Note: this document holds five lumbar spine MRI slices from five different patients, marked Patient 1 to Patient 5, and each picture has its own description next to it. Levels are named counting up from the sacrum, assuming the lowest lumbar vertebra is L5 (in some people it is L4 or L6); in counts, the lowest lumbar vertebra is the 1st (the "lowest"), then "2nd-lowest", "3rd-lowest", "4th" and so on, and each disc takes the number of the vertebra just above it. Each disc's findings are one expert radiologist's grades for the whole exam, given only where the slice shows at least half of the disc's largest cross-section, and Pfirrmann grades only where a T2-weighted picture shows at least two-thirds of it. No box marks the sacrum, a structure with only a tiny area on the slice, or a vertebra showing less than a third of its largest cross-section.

Patient 1 of 5:
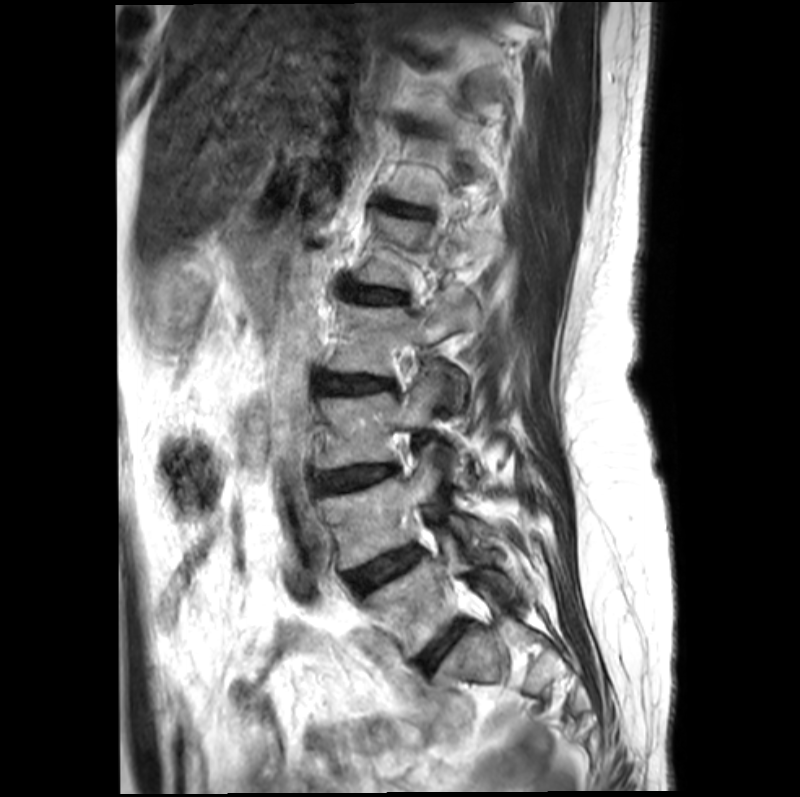 T2-weighted sagittal MRI of the lumbar spine | Image 800x797 | Patient sex: F

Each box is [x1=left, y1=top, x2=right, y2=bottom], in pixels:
• disc L1/L2 = [x1=345, y1=284, x2=400, y2=302]
• disc L5/S1 = [x1=419, y1=625, x2=461, y2=669]
• L3 = [x1=319, y1=364, x2=465, y2=471]
• T12/L1 = [x1=384, y1=203, x2=413, y2=214]
• L2 = [x1=330, y1=294, x2=478, y2=397]
• L5 = [x1=366, y1=535, x2=514, y2=652]
• L1 = [x1=353, y1=213, x2=495, y2=288]
• disc L3/L4 = [x1=315, y1=464, x2=394, y2=492]
• disc L4/L5 = [x1=348, y1=548, x2=418, y2=592]
• L4 = [x1=317, y1=450, x2=490, y2=569]
• L2/L3 = [x1=314, y1=374, x2=387, y2=393]

Degenerative findings by level:
  L2/L3: Pfirrmann grade 3, lower-endplate change, Modic type II, disc bulging, upper-endplate change
  L4/L5: Pfirrmann grade 3, Modic type II
  L1/L2: upper-endplate change, Modic type II, lower-endplate change
  L3/L4: Pfirrmann grade 3, disc narrowing, upper-endplate change, disc bulging, lower-endplate change, Modic type II

Patient 2 of 5:
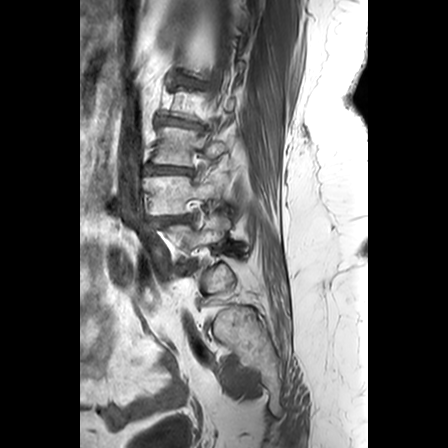
Sagittal T1-weighted lumbar spine MRI, Slice 6/24

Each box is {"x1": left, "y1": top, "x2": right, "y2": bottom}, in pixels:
Structures:
• L4/L5: {"x1": 156, "y1": 212, "x2": 191, "y2": 222}
• L4: {"x1": 144, "y1": 172, "x2": 228, "y2": 212}
• L5 vertebra: {"x1": 162, "y1": 211, "x2": 230, "y2": 256}
• L3/L4: {"x1": 147, "y1": 163, "x2": 193, "y2": 172}
• L3 vertebra: {"x1": 152, "y1": 123, "x2": 227, "y2": 163}
• L2/L3: {"x1": 160, "y1": 115, "x2": 199, "y2": 124}

Per-level radiological findings:
- L3/L4: disc narrowing, upper-endplate change, Modic type II, disc bulging, lower-endplate change

Patient 3 of 5:
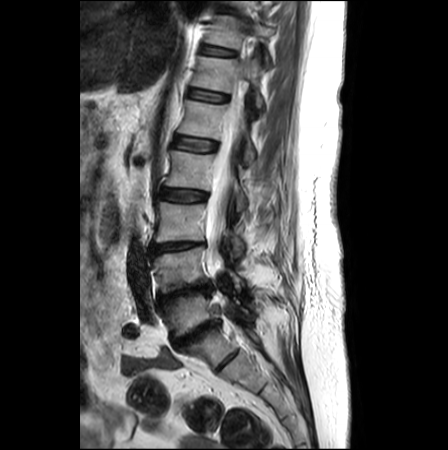 T2-weighted sagittal MRI of the lumbar spine. Image 448x450. Slice 11/26.
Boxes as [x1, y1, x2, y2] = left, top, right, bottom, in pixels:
T12 vertebra at [192, 56, 262, 107], spinal canal at [206, 105, 243, 274], L1 vertebra at [178, 100, 254, 163], intervertebral disc L3/L4 at [149, 242, 206, 253], intervertebral disc T10/T11 at [218, 7, 231, 11], L5 vertebra at [160, 293, 250, 337], L2/L3 at [160, 189, 206, 201], L1/L2 at [175, 136, 216, 151], T11 at [206, 16, 275, 66], L2 at [166, 151, 248, 211], L5/S1 at [174, 321, 218, 347], L4 vertebra at [152, 247, 244, 293], L4/L5 at [158, 282, 213, 303], intervertebral disc T12/L1 at [189, 90, 226, 101], intervertebral disc T11/T12 at [201, 45, 233, 55], L3 at [154, 202, 244, 256].

Per-level radiological findings:
  L4/L5: Pfirrmann grade 5, disc narrowing, disc bulging
  T11/T12: Pfirrmann grade 1
  L1/L2: Pfirrmann grade 2
  L5/S1: Pfirrmann grade 5, disc bulging, Modic type II, disc narrowing, upper-endplate change, lower-endplate change
  L2/L3: Pfirrmann grade 3, disc bulging
  L3/L4: Pfirrmann grade 4, lower-endplate change, upper-endplate change, disc narrowing, disc bulging
  T12/L1: Pfirrmann grade 2

Patient 4 of 5:
Sagittal slice index 67. 512x640 px. MRI lumbar spine (T2 SPACE (3D)), sagittal plane. 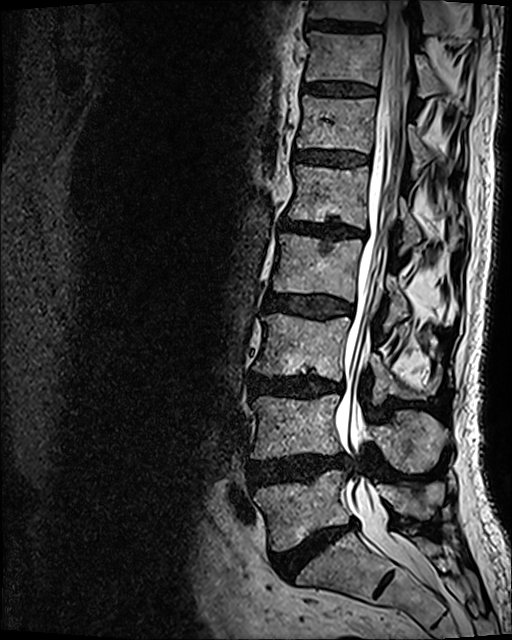 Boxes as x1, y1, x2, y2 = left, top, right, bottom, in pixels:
Intervertebral disc L4/L5: 248, 455, 346, 485.
T10 vertebra: 309, 0, 477, 36.
L1: 288, 164, 463, 250.
L3 vertebra: 253, 313, 440, 401.
Intervertebral disc L1/L2: 278, 218, 365, 238.
T11 vertebra: 305, 32, 468, 104.
L5 vertebra: 254, 470, 440, 551.
T12 vertebra: 297, 95, 433, 171.
L4 vertebra: 251, 395, 448, 472.
T12/L1: 293, 149, 367, 165.
Intervertebral disc T10/T11: 304, 19, 379, 33.
Intervertebral disc L3/L4: 249, 374, 344, 398.
Intervertebral disc T11/T12: 304, 84, 374, 96.
L2/L3: 263, 292, 352, 319.
Intervertebral disc L5/S1: 271, 521, 358, 580.
L2: 272, 233, 408, 322.
Thecal sac / spinal canal: 335, 1, 436, 586.

Radiological gradings:
- L1/L2: Pfirrmann grade 4, lower-endplate change, upper-endplate change, disc narrowing, Modic type II, disc bulging
- T12/L1: Pfirrmann grade 3
- L4/L5: Pfirrmann grade 4, disc bulging, disc herniation
- L3/L4: Pfirrmann grade 4, Modic type II, disc narrowing, lower-endplate change, disc bulging
- T11/T12: Pfirrmann grade 3
- L5/S1: Pfirrmann grade 5, disc bulging, lower-endplate change, disc narrowing, Modic type II
- L2/L3: Pfirrmann grade 3, disc bulging

Patient 5 of 5:
T2 SPACE (3D) sagittal MRI of the lumbar spine. Sex F.

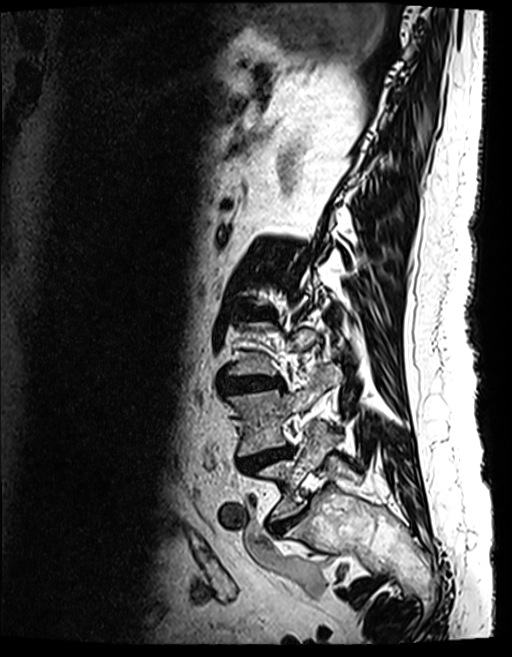 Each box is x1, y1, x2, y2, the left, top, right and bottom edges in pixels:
Segmented structures:
• L4 = 228, 365, 340, 456
• L5 vertebra = 257, 422, 338, 518
• intervertebral disc L5/S1 = 267, 507, 303, 533
• L4/L5 = 238, 447, 292, 470
• intervertebral disc L2/L3 = 245, 308, 268, 317
• intervertebral disc L3/L4 = 225, 377, 280, 389

Per-level radiological findings:
- L4/L5: Pfirrmann grade 5, disc narrowing, lower-endplate change, upper-endplate change, Modic type II, disc bulging
- L3/L4: lower-endplate change, disc bulging, disc narrowing, upper-endplate change, Modic type II